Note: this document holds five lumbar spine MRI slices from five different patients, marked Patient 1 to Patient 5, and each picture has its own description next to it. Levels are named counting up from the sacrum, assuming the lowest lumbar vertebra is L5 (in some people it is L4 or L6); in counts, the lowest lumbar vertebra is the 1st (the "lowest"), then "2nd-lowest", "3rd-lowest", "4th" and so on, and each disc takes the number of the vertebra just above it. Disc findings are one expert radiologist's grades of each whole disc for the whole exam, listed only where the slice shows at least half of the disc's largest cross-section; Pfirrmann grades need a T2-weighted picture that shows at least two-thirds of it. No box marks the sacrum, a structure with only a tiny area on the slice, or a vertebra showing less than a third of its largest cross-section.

Patient 1 of 5:
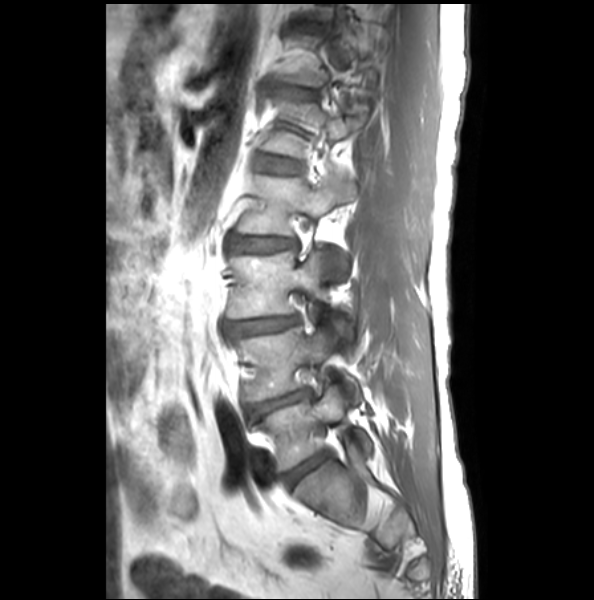

Sagittal T1-weighted lumbar spine MRI, Slice spacing 3.3 mm, Image 594x600
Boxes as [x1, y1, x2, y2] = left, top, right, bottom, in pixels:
L3 vertebra — [228, 249, 356, 342] | T12/L1 — [277, 85, 312, 98] | L2 — [237, 175, 356, 279] | L1/L2 — [261, 156, 299, 173] | L3/L4 — [225, 316, 297, 337] | L5 vertebra — [253, 384, 372, 471] | L2/L3 — [229, 237, 297, 252] | disc L5/S1 — [284, 454, 325, 487] | L4/L5 — [247, 389, 312, 417] | L4 vertebra — [235, 325, 361, 402]

Radiological gradings:
• L3/L4: disc bulging, disc narrowing
• L2/L3: disc narrowing, disc bulging
• L1/L2: upper-endplate change
• L4/L5: disc bulging, disc narrowing, lower-endplate change
• T12/L1: disc bulging, upper-endplate change

Patient 2 of 5:
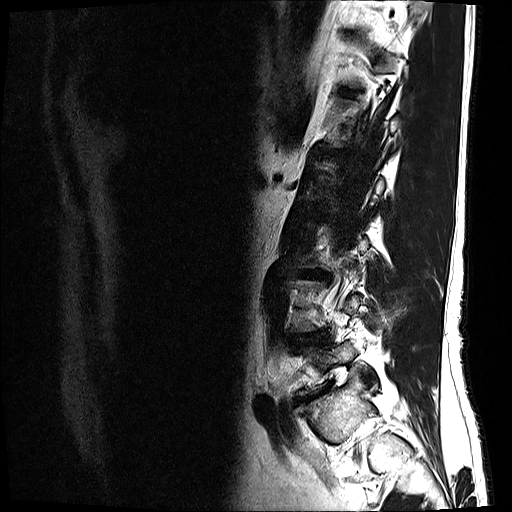

Field of view 300x300 mm | Patient sex: M | MRI lumbar spine (T2-weighted), sagittal plane

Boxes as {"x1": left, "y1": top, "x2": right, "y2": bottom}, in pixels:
L4/L5 — {"x1": 293, "y1": 333, "x2": 328, "y2": 344} | L5/S1 — {"x1": 296, "y1": 389, "x2": 327, "y2": 402} | intervertebral disc L3/L4 — {"x1": 295, "y1": 270, "x2": 326, "y2": 278}

Patient 3 of 5:
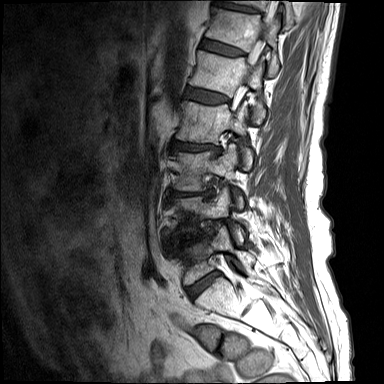
Sex M, Slice 4 of 15, Sagittal T1-weighted lumbar spine MRI

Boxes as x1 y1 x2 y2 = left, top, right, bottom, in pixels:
6th disc at 201 39 244 57 | 4th vertebra at 176 101 253 171 | 7th vertebra at 230 0 293 29 | 5th disc at 185 86 228 104 | 3rd-lowest disc at 172 191 203 196 | lowest disc at 187 272 219 298 | 2nd-lowest vertebra at 177 188 245 245 | 7th disc at 215 1 257 13 | 5th vertebra at 190 51 265 123 | 3rd-lowest vertebra at 175 144 244 209 | 6th vertebra at 206 7 279 76 | 2nd-lowest disc at 185 234 200 242 | lowest vertebra at 179 224 255 284 | 4th disc at 172 140 219 150

Radiological gradings:
  7th disc: lower-endplate change, upper-endplate change
  4th disc: disc bulging, lower-endplate change, upper-endplate change, disc narrowing, Modic type II
  6th disc, 5th disc: no spondylolisthesis, narrowing, bulging, herniation, Modic or endplate change recorded

Patient 4 of 5:
Lumbar spine MR, T2-weighted, sagittal; 509x512 px; Sagittal slice index 9 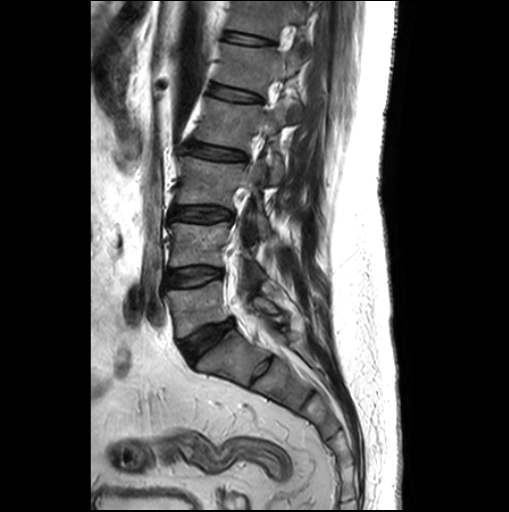

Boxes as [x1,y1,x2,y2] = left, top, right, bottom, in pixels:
6th vertebra at [227,1,309,37].
6th disc at [225,32,268,44].
Spinal canal at [233,288,240,302].
4th disc at [185,143,245,159].
2nd-lowest vertebra at [170,222,265,289].
4th vertebra at [195,98,286,183].
3rd-lowest disc at [170,206,232,221].
2nd-lowest disc at [167,267,222,286].
5th disc at [210,84,260,101].
3rd-lowest vertebra at [176,156,268,235].
Lowest vertebra at [168,281,276,337].
Lowest disc at [181,319,233,362].
5th vertebra at [215,43,307,122].

Degenerative findings by level:
• 6th disc: Pfirrmann grade 1
• 4th disc: Pfirrmann grade 1, upper-endplate change, disc bulging, lower-endplate change
• 5th disc: Pfirrmann grade 1, upper-endplate change, lower-endplate change
• 2nd-lowest disc: Pfirrmann grade 1
• lowest disc: Pfirrmann grade 3, disc bulging
• 3rd-lowest disc: Pfirrmann grade 1

Patient 5 of 5:
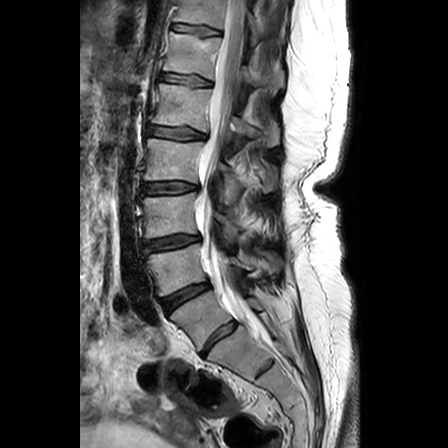

Lumbar spine MR, T2-weighted, sagittal | Slice spacing 3.3 mm

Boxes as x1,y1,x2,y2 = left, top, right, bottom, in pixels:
{"L3 vertebra": "143,193,276,243", "T11 vertebra": "174,0,281,44", "L2/L3": "142,182,197,193", "L3/L4": "146,236,200,250", "L5/S1": "200,320,236,356", "L4/L5": "163,283,208,311", "T11/T12": "173,24,220,36", "L1": "152,83,279,146", "L5": "170,291,262,350", "L2": "144,139,277,204", "L1/L2": "148,126,204,139", "spinal canal": "195,0,262,338", "L4 vertebra": "148,244,281,295", "T12/L1": "161,74,211,85", "T12": "164,32,284,93"}

Degenerative findings by level:
  L5/S1: Pfirrmann grade 3
  L3/L4: Pfirrmann grade 3, upper-endplate change, lower-endplate change, disc bulging
  T11/T12: Pfirrmann grade 2, upper-endplate change, lower-endplate change
  L1/L2: Pfirrmann grade 3, upper-endplate change, lower-endplate change, disc bulging
  T12/L1: Pfirrmann grade 2, upper-endplate change, lower-endplate change
  L2/L3: Pfirrmann grade 3, disc bulging, upper-endplate change, lower-endplate change
  L4/L5: Pfirrmann grade 4, disc bulging, disc narrowing